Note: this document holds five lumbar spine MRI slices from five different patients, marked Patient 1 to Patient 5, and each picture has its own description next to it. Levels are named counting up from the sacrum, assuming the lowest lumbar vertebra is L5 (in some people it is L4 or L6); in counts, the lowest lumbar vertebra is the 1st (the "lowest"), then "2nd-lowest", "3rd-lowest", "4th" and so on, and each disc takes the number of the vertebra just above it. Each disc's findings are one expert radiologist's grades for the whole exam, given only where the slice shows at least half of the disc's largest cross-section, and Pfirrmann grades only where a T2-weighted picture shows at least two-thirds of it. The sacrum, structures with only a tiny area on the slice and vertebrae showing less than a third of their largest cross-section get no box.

Patient 1 of 5:
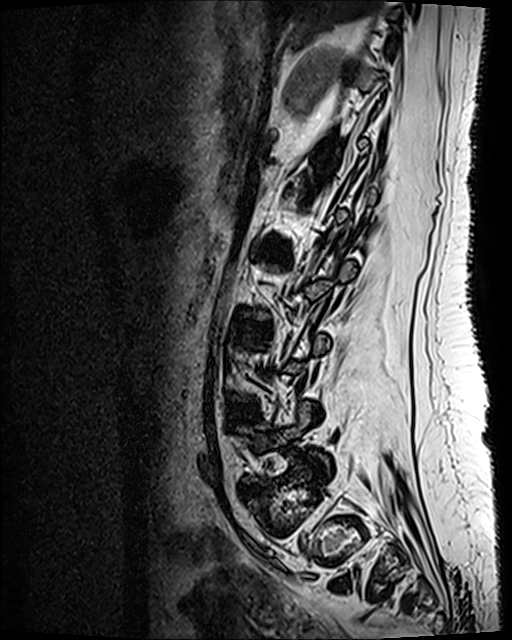

T2 SPACE (3D) sagittal MRI of the lumbar spine, Sex F, Sagittal slice index 86
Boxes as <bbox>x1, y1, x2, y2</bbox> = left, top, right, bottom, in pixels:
IVD L4/L5 at <bbox>231, 407, 254, 421</bbox>, IVD L3/L4 at <bbox>235, 324, 268, 337</bbox>, L5/S1 at <bbox>244, 485, 266, 491</bbox>, IVD L2/L3 at <bbox>257, 245, 284, 257</bbox>.

Patient 2 of 5:
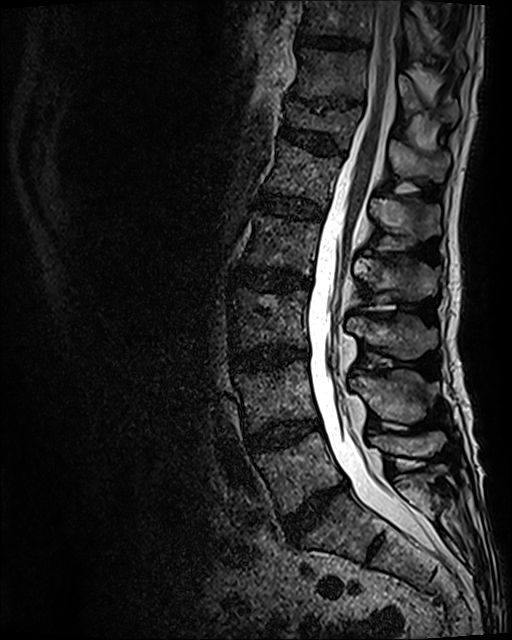 Patient sex: M. Sagittal T2 SPACE (3D) lumbar spine MRI.

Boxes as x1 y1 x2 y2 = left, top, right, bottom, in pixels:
L1 vertebra: 265 139 440 238.
T11: 291 48 458 123.
Intervertebral disc L4/L5: 247 421 320 452.
T11/T12: 310 98 354 111.
Intervertebral disc L1/L2: 257 192 322 217.
L2/L3: 234 267 310 290.
T12 vertebra: 282 102 450 182.
T12/L1: 280 95 345 156.
L3 vertebra: 231 288 437 359.
Intervertebral disc T10/T11: 298 36 360 47.
L5: 256 431 444 513.
Spinal canal: 307 0 437 554.
T10: 302 0 465 70.
L2 vertebra: 244 211 438 300.
L4 vertebra: 235 361 439 432.
L5/S1: 283 485 342 542.
L3/L4: 230 346 307 369.

Degenerative findings by level:
  L3/L4: Pfirrmann grade 4, Modic type II, disc narrowing, disc bulging
  L2/L3: Pfirrmann grade 3, Modic type II, disc bulging
  T10/T11: Pfirrmann grade 3
  T11/T12: Pfirrmann grade 5, upper-endplate change, lower-endplate change, disc narrowing
  L4/L5: Pfirrmann grade 3, disc bulging, Modic type II
  L1/L2: Pfirrmann grade 3
  L5/S1: Pfirrmann grade 4, disc narrowing, disc bulging
  T12/L1: Pfirrmann grade 3, upper-endplate change, lower-endplate change

Patient 3 of 5:
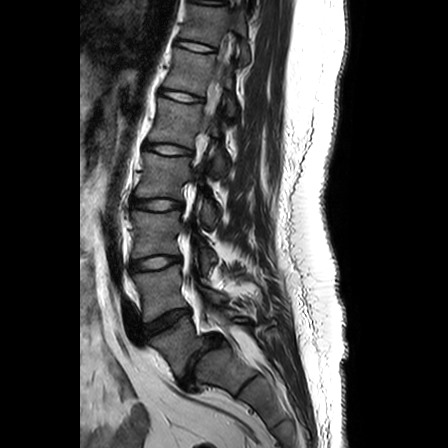
T2-weighted sagittal MRI of the lumbar spine. Sex F. Field of view 280x280 mm, slice spacing 3.3 mm. 448x448 px. Sagittal slice index 15.
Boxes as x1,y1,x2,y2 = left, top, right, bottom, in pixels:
3rd-lowest vertebra: 132,211,216,269
3rd-lowest disc: 131,256,179,271
spinal canal: 204,72,221,134
lowest vertebra: 150,311,249,377
2nd-lowest vertebra: 133,265,226,321
6th disc: 161,90,201,101
5th disc: 146,143,191,154
lowest disc: 179,334,220,385
4th vertebra: 136,152,215,225
7th disc: 177,40,213,51
5th vertebra: 149,98,227,171
6th vertebra: 164,48,236,115
2nd-lowest disc: 144,308,189,336
4th disc: 132,199,181,210
7th vertebra: 180,5,249,62

Per-level radiological findings:
• 2nd-lowest disc: Pfirrmann grade 1, disc bulging
• 4th disc: Pfirrmann grade 4
• 6th disc: Pfirrmann grade 1
• 7th disc: Pfirrmann grade 1
• lowest disc: Pfirrmann grade 1, lower-endplate change, disc bulging, disc narrowing, spondylolisthesis
• 5th disc: Pfirrmann grade 1
• 3rd-lowest disc: Pfirrmann grade 3

Patient 4 of 5:
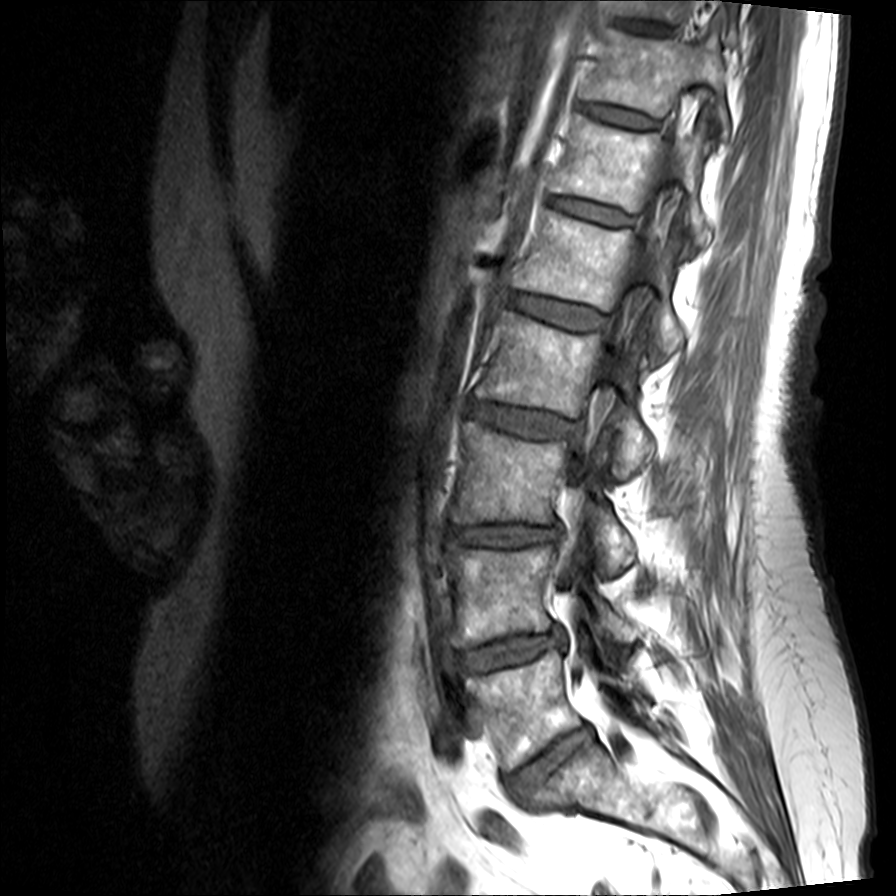
Sex F, Slice 5/15, Image 896x896, Sagittal T1-weighted lumbar spine MRI

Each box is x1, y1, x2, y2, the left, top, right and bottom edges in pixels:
Segmented structures:
• thecal sac / spinal canal: 563, 174, 676, 579
• T11: 582, 10, 729, 136
• disc L1/L2: 507, 291, 610, 328
• L5: 467, 627, 648, 770
• T11/T12: 580, 102, 658, 126
• disc L2/L3: 471, 400, 581, 436
• disc T10/T11: 619, 18, 668, 32
• L1: 513, 208, 683, 367
• disc T12/L1: 549, 195, 633, 225
• L5/S1: 509, 727, 593, 800
• T12 vertebra: 551, 114, 712, 246
• T10 vertebra: 617, 0, 739, 44
• L2 vertebra: 478, 310, 654, 477
• L4/L5: 455, 629, 564, 673
• L4: 448, 543, 637, 646
• disc L3/L4: 449, 525, 560, 546
• L3: 453, 420, 635, 573

Degenerative findings by level:
- L4/L5: disc bulging, disc narrowing, Modic type II, disc herniation
- L2/L3: disc bulging
- L3/L4: disc narrowing, upper-endplate change, lower-endplate change, disc bulging
- L5/S1: disc bulging, disc narrowing
- T12/L1, L1/L2, T11/T12: no spondylolisthesis, narrowing, bulging, herniation, Modic or endplate change recorded

Patient 5 of 5:
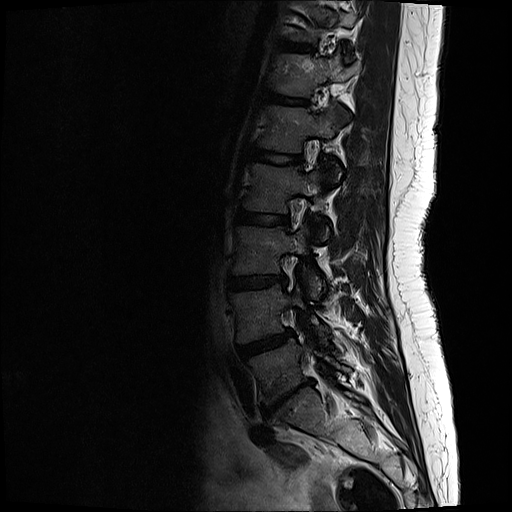 T2-weighted sagittal MRI of the lumbar spine; 512x512 px
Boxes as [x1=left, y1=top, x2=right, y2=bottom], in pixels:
Segmented structures:
* intervertebral disc L1/L2 (5th disc) at [x1=250, y1=148, x2=297, y2=165]
* intervertebral disc L5/S1 (lowest disc) at [x1=261, y1=380, x2=310, y2=415]
* L1 (5th vertebra) at [x1=262, y1=108, x2=346, y2=150]
* intervertebral disc L3/L4 (3rd-lowest disc) at [x1=229, y1=276, x2=283, y2=289]
* L2/L3 (4th disc) at [x1=237, y1=210, x2=286, y2=224]
* L2 (4th vertebra) at [x1=244, y1=164, x2=334, y2=210]
* T12 (6th vertebra) at [x1=282, y1=55, x2=358, y2=95]
* T12/L1 (6th disc) at [x1=271, y1=94, x2=302, y2=104]
* L3 (3rd-lowest vertebra) at [x1=233, y1=223, x2=318, y2=295]
* intervertebral disc L4/L5 (2nd-lowest disc) at [x1=236, y1=330, x2=290, y2=358]
* L5 (lowest vertebra) at [x1=249, y1=340, x2=348, y2=403]
* L4 (2nd-lowest vertebra) at [x1=233, y1=285, x2=321, y2=341]

Expert MSK radiologist gradings (per disc):
- L1/L2 (5th disc): Pfirrmann grade 2
- L4/L5 (2nd-lowest disc): disc bulging
- L3/L4 (3rd-lowest disc): Pfirrmann grade 2, disc bulging
- L2/L3 (4th disc): Pfirrmann grade 2
- T12/L1 (6th disc): no herniation, bulging, narrowing, spondylolisthesis, endplate or Modic change recorded